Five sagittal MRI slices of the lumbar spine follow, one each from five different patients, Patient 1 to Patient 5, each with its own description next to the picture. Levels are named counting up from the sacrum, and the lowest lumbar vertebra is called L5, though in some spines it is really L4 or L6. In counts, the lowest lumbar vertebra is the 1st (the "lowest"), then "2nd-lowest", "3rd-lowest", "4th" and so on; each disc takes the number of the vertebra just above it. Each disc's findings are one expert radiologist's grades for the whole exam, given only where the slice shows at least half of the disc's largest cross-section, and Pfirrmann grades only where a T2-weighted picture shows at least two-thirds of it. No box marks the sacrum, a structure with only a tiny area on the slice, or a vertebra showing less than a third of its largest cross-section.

Patient 1 of 5:
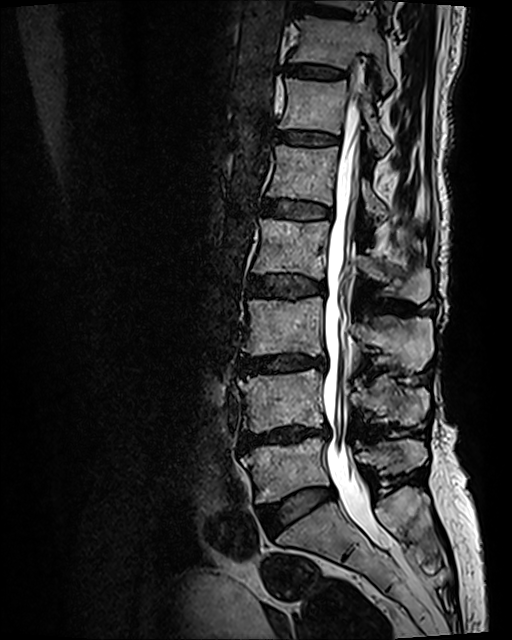 MRI lumbar spine (T2 SPACE (3D)), sagittal plane | Patient sex: F
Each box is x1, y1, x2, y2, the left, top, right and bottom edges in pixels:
L2 (4th vertebra) — 253, 218, 430, 303.
L5 (lowest vertebra) — 241, 437, 426, 502.
Intervertebral disc T12/L1 (6th disc) — 276, 131, 337, 145.
L3/L4 (3rd-lowest disc) — 238, 354, 326, 372.
L1 (5th vertebra) — 267, 144, 421, 225.
L2/L3 (4th disc) — 251, 275, 325, 298.
Thecal sac / spinal canal — 322, 83, 388, 550.
Intervertebral disc L4/L5 (2nd-lowest disc) — 240, 426, 329, 449.
T11 (7th vertebra) — 290, 13, 393, 92.
T12 (6th vertebra) — 278, 78, 390, 156.
T11/T12 (7th disc) — 287, 66, 344, 78.
L3 (3rd-lowest vertebra) — 242, 297, 432, 372.
Intervertebral disc T10/T11 (8th disc) — 301, 4, 349, 16.
L5/S1 (lowest disc) — 259, 488, 334, 531.
Intervertebral disc L1/L2 (5th disc) — 262, 200, 332, 220.
L4 (2nd-lowest vertebra) — 237, 369, 427, 431.

Degenerative findings by level:
- T12/L1 (6th disc): Pfirrmann grade 2, upper-endplate change, lower-endplate change, Modic type II
- T10/T11 (8th disc): upper-endplate change, lower-endplate change
- L2/L3 (4th disc): Pfirrmann grade 3, upper-endplate change, disc bulging, Modic type II, lower-endplate change
- T11/T12 (7th disc): Pfirrmann grade 2, lower-endplate change, Modic type II, upper-endplate change
- L4/L5 (2nd-lowest disc): Pfirrmann grade 4, disc bulging, Modic type II, upper-endplate change, lower-endplate change, disc narrowing
- L1/L2 (5th disc): Pfirrmann grade 3, lower-endplate change, upper-endplate change, Modic type II
- L3/L4 (3rd-lowest disc): Pfirrmann grade 4, lower-endplate change, disc bulging, upper-endplate change, disc narrowing, Modic type II
- L5/S1 (lowest disc): Pfirrmann grade 2, disc bulging

Patient 2 of 5:
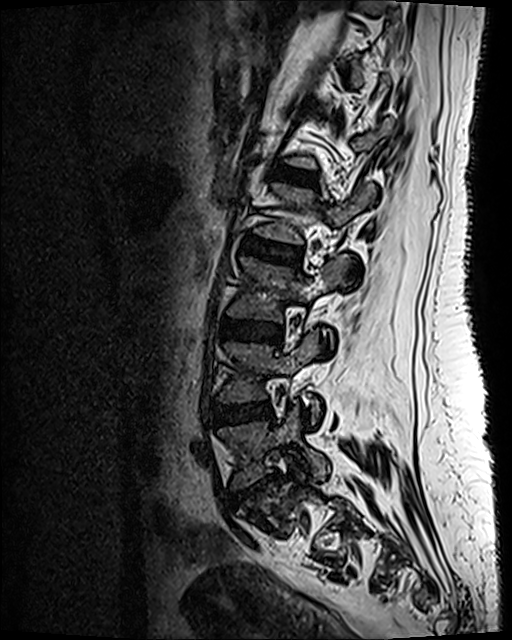 Field of view 240x300 mm, slice spacing 0.9 mm | MRI lumbar spine (T2 SPACE (3D)), sagittal plane

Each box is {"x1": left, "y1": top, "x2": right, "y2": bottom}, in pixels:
Structures:
* IVD L1/L2 (5th disc): {"x1": 271, "y1": 166, "x2": 315, "y2": 186}
* IVD L5/S1 (lowest disc): {"x1": 238, "y1": 476, "x2": 275, "y2": 497}
* L3/L4 (3rd-lowest disc): {"x1": 220, "y1": 319, "x2": 281, "y2": 343}
* L5 (lowest vertebra): {"x1": 219, "y1": 407, "x2": 329, "y2": 487}
* L3 (3rd-lowest vertebra): {"x1": 228, "y1": 255, "x2": 350, "y2": 321}
* IVD L2/L3 (4th disc): {"x1": 242, "y1": 237, "x2": 300, "y2": 265}
* L2 (4th vertebra): {"x1": 255, "y1": 183, "x2": 372, "y2": 241}
* IVD L4/L5 (2nd-lowest disc): {"x1": 215, "y1": 403, "x2": 271, "y2": 424}
* L4 (2nd-lowest vertebra): {"x1": 220, "y1": 331, "x2": 319, "y2": 423}

Degenerative findings by level:
- L2/L3 (4th disc): Pfirrmann grade 3, disc bulging
- L1/L2 (5th disc), L3/L4 (3rd-lowest disc): no spondylolisthesis, narrowing, bulging, herniation, Modic or endplate change recorded

Patient 3 of 5:
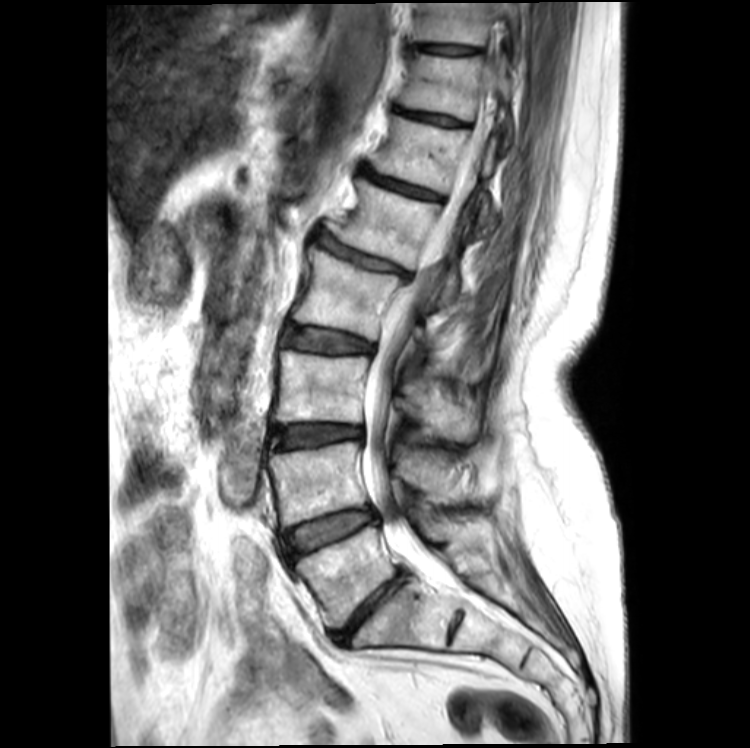 Lumbar spine MR, T2-weighted, sagittal
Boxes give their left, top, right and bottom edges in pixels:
lowest disc: left=332, top=569, right=410, bottom=644
3rd-lowest disc: left=272, top=424, right=364, bottom=449
8th vertebra: left=417, top=3, right=527, bottom=62
lowest vertebra: left=297, top=518, right=461, bottom=627
4th disc: left=284, top=322, right=378, bottom=354
7th disc: left=396, top=107, right=462, bottom=125
6th vertebra: left=371, top=116, right=499, bottom=221
5th vertebra: left=332, top=181, right=456, bottom=304
3rd-lowest vertebra: left=272, top=350, right=477, bottom=441
2nd-lowest vertebra: left=269, top=441, right=475, bottom=529
8th disc: left=414, top=43, right=477, bottom=54
6th disc: left=360, top=170, right=440, bottom=199
2nd-lowest disc: left=284, top=508, right=378, bottom=558
5th disc: left=317, top=235, right=413, bottom=277
7th vertebra: left=400, top=53, right=512, bottom=130
thecal sac / spinal canal: left=364, top=145, right=478, bottom=573
4th vertebra: left=294, top=247, right=430, bottom=355

Expert MSK radiologist gradings (per disc):
- 4th disc: Pfirrmann grade 3, disc bulging, Modic type II
- lowest disc: Pfirrmann grade 5, disc bulging, disc narrowing, lower-endplate change, upper-endplate change
- 7th disc: Pfirrmann grade 4, lower-endplate change, Modic type II, disc narrowing, upper-endplate change
- 2nd-lowest disc: Pfirrmann grade 3, Modic type II, disc bulging
- 8th disc: Pfirrmann grade 2, lower-endplate change
- 5th disc: Pfirrmann grade 4, disc narrowing, Modic type II, upper-endplate change, disc bulging, spondylolisthesis, lower-endplate change
- 3rd-lowest disc: Pfirrmann grade 3, Modic type II, disc narrowing, disc bulging
- 6th disc: Pfirrmann grade 4, Modic type II, upper-endplate change, disc narrowing, lower-endplate change

Patient 4 of 5:
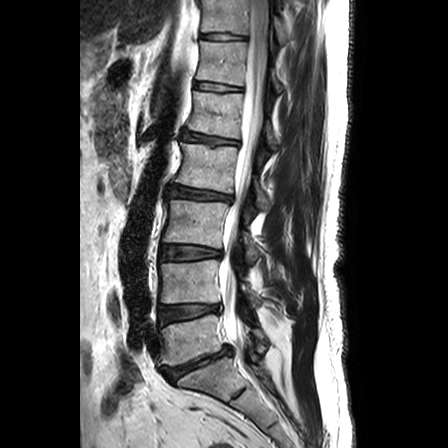
Patient sex: M; Slice spacing 3.3 mm; T2-weighted sagittal MRI of the lumbar spine

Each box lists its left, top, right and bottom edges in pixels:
7th vertebra: left=201, top=0, right=289, bottom=45
2nd-lowest vertebra: left=160, top=260, right=260, bottom=303
thecal sac / spinal canal: left=220, top=0, right=268, bottom=357
5th disc: left=183, top=132, right=237, bottom=144
6th vertebra: left=197, top=41, right=282, bottom=92
4th disc: left=168, top=186, right=231, bottom=201
6th disc: left=195, top=81, right=240, bottom=90
4th vertebra: left=175, top=142, right=269, bottom=208
lowest vertebra: left=158, top=314, right=266, bottom=365
7th disc: left=200, top=34, right=246, bottom=39
5th vertebra: left=188, top=91, right=278, bottom=150
2nd-lowest disc: left=159, top=305, right=218, bottom=322
lowest disc: left=164, top=346, right=230, bottom=381
3rd-lowest disc: left=161, top=245, right=221, bottom=259
3rd-lowest vertebra: left=163, top=199, right=259, bottom=263

Expert MSK radiologist gradings (per disc):
  5th disc: Pfirrmann grade 3, upper-endplate change, lower-endplate change, Modic type II, disc bulging
  6th disc: Pfirrmann grade 1
  lowest disc: Pfirrmann grade 5, Modic type II, lower-endplate change, disc narrowing, upper-endplate change, spondylolisthesis, disc bulging, disc herniation
  4th disc: Pfirrmann grade 3, disc bulging
  2nd-lowest disc: Pfirrmann grade 3, disc narrowing, disc bulging
  7th disc: Pfirrmann grade 1
  3rd-lowest disc: Pfirrmann grade 2, disc bulging

Patient 5 of 5:
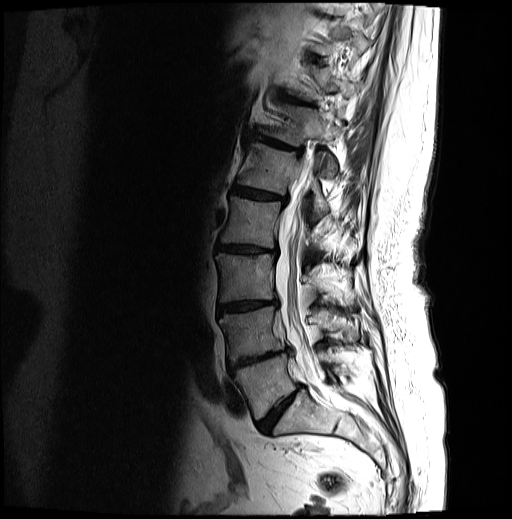
T2-weighted sagittal MRI of the lumbar spine.

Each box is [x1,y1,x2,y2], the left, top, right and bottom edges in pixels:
* 4th disc — [216,244,277,253]
* 3rd-lowest disc — [217,300,277,314]
* lowest vertebra — [234,350,341,419]
* 2nd-lowest vertebra — [219,306,358,362]
* 4th vertebra — [220,197,325,248]
* 6th disc — [253,133,301,155]
* 2nd-lowest disc — [229,348,291,372]
* 5th vertebra — [238,143,329,218]
* lowest disc — [256,383,301,432]
* thecal sac / spinal canal — [275,157,324,387]
* 8th vertebra — [313,20,370,54]
* 7th disc — [280,93,314,105]
* 3rd-lowest vertebra — [216,254,352,302]
* 5th disc — [231,187,287,205]
* 6th vertebra — [260,104,340,177]
* 7th vertebra — [289,66,358,101]

Per-level radiological findings:
• lowest disc: Pfirrmann grade 4, disc bulging, disc narrowing
• 6th disc: Pfirrmann grade 4, Modic type II, upper-endplate change, disc narrowing, lower-endplate change, disc bulging
• 7th disc: disc narrowing, upper-endplate change, lower-endplate change, disc bulging, Modic type II
• 4th disc: Pfirrmann grade 4, Modic type II, disc bulging, lower-endplate change, upper-endplate change, disc narrowing
• 3rd-lowest disc: Pfirrmann grade 4, lower-endplate change, disc bulging, Modic type II, disc narrowing, upper-endplate change
• 5th disc: Pfirrmann grade 4, disc bulging, lower-endplate change, disc narrowing, upper-endplate change, Modic type II
• 2nd-lowest disc: Pfirrmann grade 5, upper-endplate change, lower-endplate change, disc narrowing, Modic type II, disc bulging